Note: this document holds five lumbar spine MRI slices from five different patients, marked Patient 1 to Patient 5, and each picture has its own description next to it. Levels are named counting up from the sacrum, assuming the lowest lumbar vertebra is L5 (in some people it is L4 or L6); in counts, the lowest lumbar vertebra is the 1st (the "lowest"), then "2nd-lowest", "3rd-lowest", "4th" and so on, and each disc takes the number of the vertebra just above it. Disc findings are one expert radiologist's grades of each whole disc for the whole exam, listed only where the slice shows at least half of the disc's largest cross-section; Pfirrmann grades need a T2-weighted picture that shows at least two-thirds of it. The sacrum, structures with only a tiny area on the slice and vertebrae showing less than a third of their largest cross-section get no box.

Patient 1 of 5:
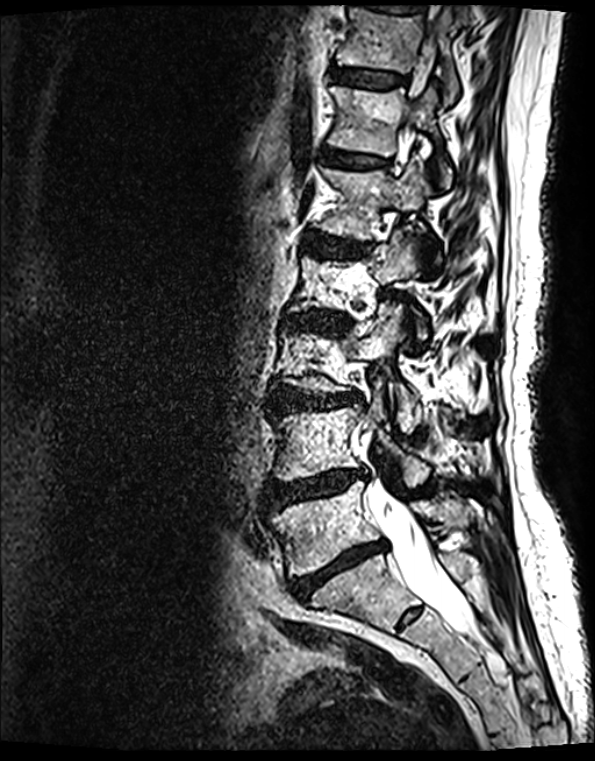

595x761 px; T2 SPACE (3D) sagittal MRI of the lumbar spine; Patient sex: F

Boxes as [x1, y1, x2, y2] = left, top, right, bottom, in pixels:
L4/L5 at [270, 469, 365, 509], thecal sac / spinal canal at [370, 42, 473, 635], L5/S1 at [291, 541, 384, 600], IVD L1/L2 at [319, 238, 350, 250], L2/L3 at [299, 313, 327, 327], L4 vertebra at [274, 387, 429, 486], T11/T12 at [334, 69, 405, 89], L5 at [270, 481, 472, 576], L1 at [320, 158, 440, 262], T12 at [329, 87, 451, 188], IVD T12/L1 at [322, 149, 386, 169], T11 at [336, 8, 459, 105], IVD L3/L4 at [272, 391, 356, 411], L3 at [285, 305, 422, 431].

Expert MSK radiologist gradings (per disc):
  T11/T12: Pfirrmann grade 2, upper-endplate change, Modic type II, lower-endplate change
  L5/S1: Pfirrmann grade 5, disc narrowing, upper-endplate change, lower-endplate change, disc bulging, Modic type II
  L4/L5: Pfirrmann grade 4, disc bulging, disc herniation, lower-endplate change, Modic type II, upper-endplate change, disc narrowing
  L3/L4: Pfirrmann grade 4, Modic type II, lower-endplate change, disc bulging, upper-endplate change, disc narrowing
  T12/L1: Pfirrmann grade 2, lower-endplate change, upper-endplate change, Modic type II

Patient 2 of 5:
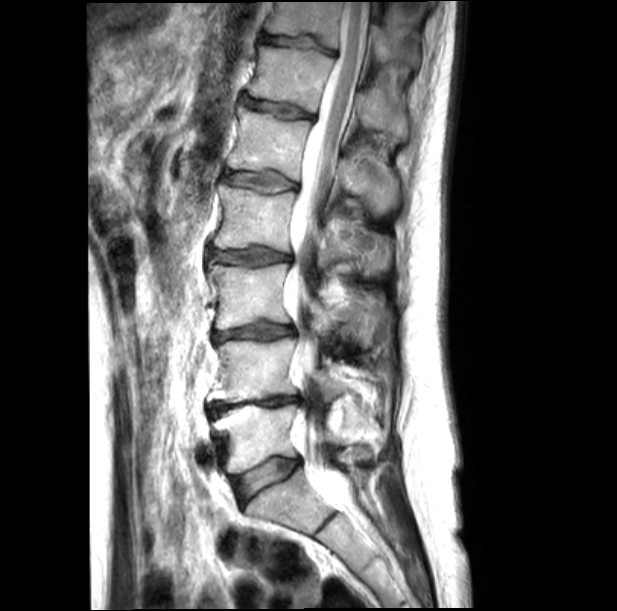 Field of view 312x308 mm, slice spacing 4.4 mm | Lumbar spine MR, T2-weighted, sagittal
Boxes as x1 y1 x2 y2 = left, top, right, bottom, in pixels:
Structures:
* 6th disc = 243 99 314 118
* 7th vertebra = 266 2 405 60
* 5th vertebra = 228 104 400 213
* spinal canal = 284 2 367 508
* 4th disc = 210 247 291 265
* lowest disc = 234 458 300 503
* 2nd-lowest vertebra = 210 336 341 402
* 5th disc = 227 171 297 192
* 3rd-lowest vertebra = 208 263 375 346
* lowest vertebra = 213 404 371 473
* 6th vertebra = 249 45 408 145
* 7th disc = 261 34 335 55
* 3rd-lowest disc = 214 322 295 340
* 4th vertebra = 214 183 387 276
* 2nd-lowest disc = 210 396 300 416

Degenerative findings by level:
• 4th disc: Pfirrmann grade 3, lower-endplate change, disc bulging, upper-endplate change
• 2nd-lowest disc: Pfirrmann grade 5, upper-endplate change, lower-endplate change, disc narrowing, disc bulging
• 5th disc: Pfirrmann grade 3, lower-endplate change, disc bulging, upper-endplate change
• 3rd-lowest disc: Pfirrmann grade 3, upper-endplate change, disc bulging, disc narrowing, lower-endplate change
• lowest disc: Pfirrmann grade 2, disc bulging
• 7th disc: Pfirrmann grade 3, lower-endplate change, upper-endplate change, disc narrowing
• 6th disc: Pfirrmann grade 3, disc narrowing, lower-endplate change, disc bulging, upper-endplate change

Patient 3 of 5:
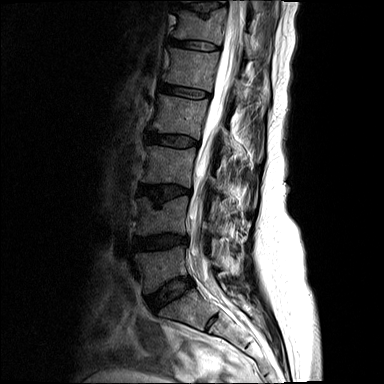 T2-weighted sagittal MRI of the lumbar spine.

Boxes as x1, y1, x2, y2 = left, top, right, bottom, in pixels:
IVD L4/L5: 135, 234, 186, 249 | T12/L1: 171, 40, 216, 50 | L3 vertebra: 143, 146, 225, 193 | IVD L2/L3: 146, 133, 198, 146 | L1: 164, 48, 245, 106 | spinal canal: 190, 0, 244, 283 | IVD L5/S1: 147, 279, 192, 310 | L5: 135, 246, 220, 293 | T12: 174, 9, 258, 58 | L1/L2: 160, 83, 207, 98 | IVD T11/T12: 177, 3, 222, 12 | L2: 149, 95, 262, 158 | L3/L4: 139, 184, 190, 201 | L4: 137, 196, 219, 239 | T11 vertebra: 251, 0, 262, 11

Radiological gradings:
- L5/S1: Pfirrmann grade 3, disc bulging
- L4/L5: Pfirrmann grade 3, disc bulging
- L2/L3: Pfirrmann grade 3, disc bulging, lower-endplate change, upper-endplate change
- L3/L4: Pfirrmann grade 3, lower-endplate change, disc narrowing, upper-endplate change, disc bulging
- T12/L1: Pfirrmann grade 2
- L1/L2: Pfirrmann grade 2
- T11/T12: Pfirrmann grade 3, upper-endplate change, lower-endplate change

Patient 4 of 5:
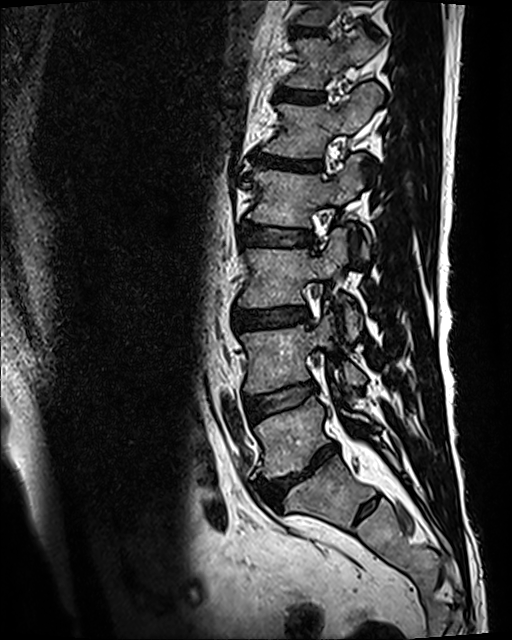 Slice 43/120; Field of view 240x300 mm; MRI lumbar spine (T2 SPACE (3D)), sagittal plane
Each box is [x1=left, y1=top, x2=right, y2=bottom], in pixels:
L3/L4 (3rd-lowest disc) at [x1=233, y1=307, x2=310, y2=331].
L4 (2nd-lowest vertebra) at [x1=240, y1=314, x2=365, y2=394].
T12 (6th vertebra) at [x1=284, y1=37, x2=386, y2=88].
L3 (3rd-lowest vertebra) at [x1=238, y1=228, x2=361, y2=339].
Disc T11/T12 (7th disc) at [x1=300, y1=30, x2=321, y2=36].
T12/L1 (6th disc) at [x1=279, y1=89, x2=323, y2=102].
L5 (lowest vertebra) at [x1=255, y1=397, x2=368, y2=478].
L1/L2 (5th disc) at [x1=255, y1=155, x2=321, y2=171].
L1 (5th vertebra) at [x1=263, y1=82, x2=382, y2=158].
L4/L5 (2nd-lowest disc) at [x1=245, y1=381, x2=316, y2=419].
L2/L3 (4th disc) at [x1=242, y1=224, x2=314, y2=246].
L5/S1 (lowest disc) at [x1=256, y1=445, x2=336, y2=506].
L2 (4th vertebra) at [x1=244, y1=155, x2=369, y2=258].

Per-level radiological findings:
• L1/L2 (5th disc): disc narrowing, upper-endplate change, disc bulging, Modic type II, lower-endplate change
• L4/L5 (2nd-lowest disc): Pfirrmann grade 3, Modic type II
• L3/L4 (3rd-lowest disc): Pfirrmann grade 3, disc bulging, upper-endplate change, lower-endplate change
• L2/L3 (4th disc): Pfirrmann grade 3
• L5/S1 (lowest disc): Pfirrmann grade 5, disc bulging, upper-endplate change, Modic type II, lower-endplate change, disc narrowing
• T12/L1 (6th disc): no herniation, bulging, narrowing, spondylolisthesis, endplate or Modic change recorded

Patient 5 of 5:
Field of view 280x280 mm. MRI lumbar spine (T2-weighted), sagittal plane. 448x448 px.

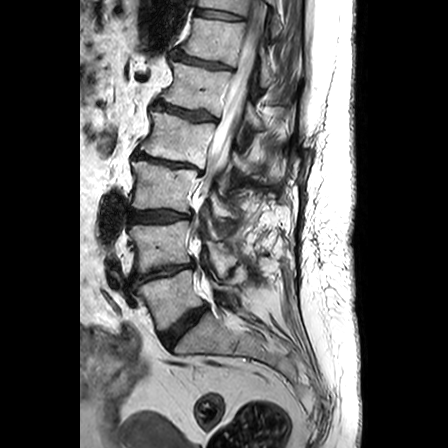

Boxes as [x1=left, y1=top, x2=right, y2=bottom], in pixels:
Intervertebral disc L1/L2: [x1=154, y1=102, x2=215, y2=120].
Intervertebral disc T11/T12: [x1=195, y1=9, x2=241, y2=20].
Thecal sac / spinal canal: [x1=198, y1=11, x2=261, y2=216].
L1: [x1=161, y1=60, x2=265, y2=129].
L5/S1: [x1=160, y1=305, x2=207, y2=347].
L5: [x1=137, y1=270, x2=238, y2=331].
L4/L5: [x1=133, y1=263, x2=193, y2=284].
L4 vertebra: [x1=129, y1=220, x2=237, y2=276].
T11: [x1=198, y1=0, x2=280, y2=35].
L2: [x1=141, y1=111, x2=280, y2=180].
T12: [x1=182, y1=18, x2=275, y2=86].
L3/L4: [x1=129, y1=210, x2=190, y2=224].
L3: [x1=132, y1=161, x2=238, y2=218].
T12/L1: [x1=173, y1=54, x2=228, y2=68].
L2/L3: [x1=132, y1=151, x2=203, y2=174].

Expert MSK radiologist gradings (per disc):
- T11/T12: Pfirrmann grade 1
- L2/L3: spondylolisthesis, Modic type II, disc bulging, disc narrowing
- L5/S1: Pfirrmann grade 3, disc bulging
- L4/L5: Pfirrmann grade 4, disc narrowing, disc bulging
- T12/L1: Pfirrmann grade 3, disc narrowing
- L3/L4: Pfirrmann grade 3, disc bulging
- L1/L2: Pfirrmann grade 3, disc narrowing, Modic type II